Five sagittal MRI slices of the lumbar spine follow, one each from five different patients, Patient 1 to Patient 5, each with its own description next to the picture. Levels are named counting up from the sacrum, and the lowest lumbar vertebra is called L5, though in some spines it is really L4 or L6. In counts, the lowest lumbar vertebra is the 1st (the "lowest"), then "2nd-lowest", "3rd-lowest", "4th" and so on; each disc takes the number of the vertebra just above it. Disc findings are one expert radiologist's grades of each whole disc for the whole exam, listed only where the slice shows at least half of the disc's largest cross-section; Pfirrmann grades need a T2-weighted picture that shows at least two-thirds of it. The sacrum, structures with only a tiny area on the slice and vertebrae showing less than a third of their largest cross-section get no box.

Patient 1 of 5:
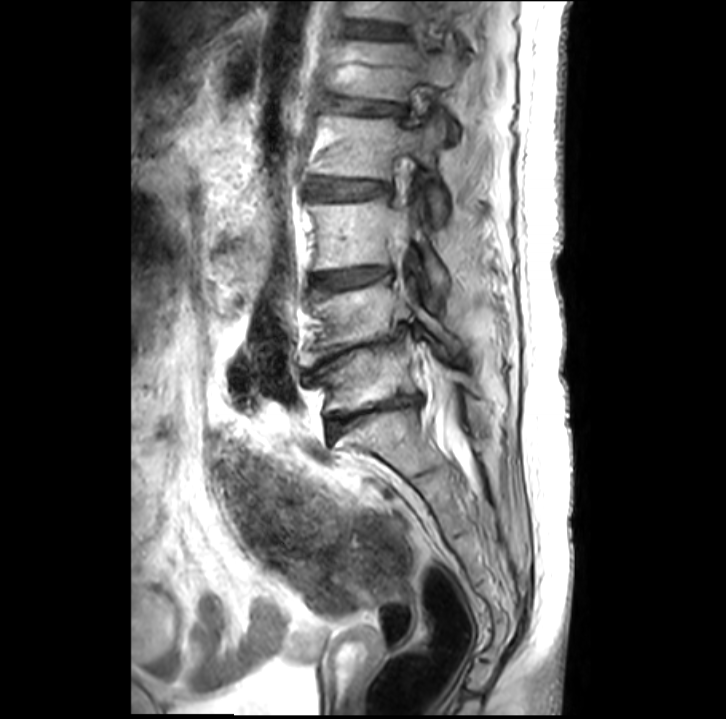

Sagittal slice index 12, Sagittal T2-weighted lumbar spine MRI
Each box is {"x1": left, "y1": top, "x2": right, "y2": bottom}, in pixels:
Intervertebral disc L3/L4 (3rd-lowest disc) = {"x1": 313, "y1": 266, "x2": 387, "y2": 286}.
Spinal canal = {"x1": 432, "y1": 384, "x2": 465, "y2": 460}.
L3 (3rd-lowest vertebra) = {"x1": 309, "y1": 198, "x2": 448, "y2": 298}.
L1 (5th vertebra) = {"x1": 345, "y1": 40, "x2": 465, "y2": 136}.
Intervertebral disc L1/L2 (5th disc) = {"x1": 337, "y1": 98, "x2": 402, "y2": 113}.
Intervertebral disc T12/L1 (6th disc) = {"x1": 365, "y1": 26, "x2": 401, "y2": 36}.
L5 (lowest vertebra) = {"x1": 316, "y1": 333, "x2": 474, "y2": 410}.
L2/L3 (4th disc) = {"x1": 312, "y1": 178, "x2": 387, "y2": 198}.
L4 (2nd-lowest vertebra) = {"x1": 299, "y1": 278, "x2": 462, "y2": 364}.
L5/S1 (lowest disc) = {"x1": 328, "y1": 395, "x2": 419, "y2": 436}.
L2 (4th vertebra) = {"x1": 316, "y1": 114, "x2": 447, "y2": 221}.
L4/L5 (2nd-lowest disc) = {"x1": 316, "y1": 324, "x2": 408, "y2": 372}.

Expert MSK radiologist gradings (per disc):
  L3/L4 (3rd-lowest disc): Pfirrmann grade 3, Modic type II, disc narrowing
  L4/L5 (2nd-lowest disc): Pfirrmann grade 5, disc narrowing
  L2/L3 (4th disc): Pfirrmann grade 2
  L1/L2 (5th disc): Pfirrmann grade 4, disc bulging, disc narrowing
  L5/S1 (lowest disc): Pfirrmann grade 5, Modic type II, disc narrowing

Patient 2 of 5:
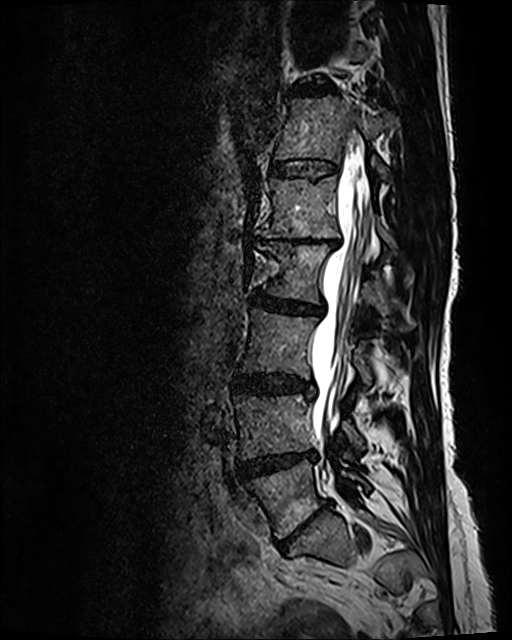
Image 512x640. Slice 57/120. Sagittal T2 SPACE (3D) lumbar spine MRI.

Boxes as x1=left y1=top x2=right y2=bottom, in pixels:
Spinal canal at x1=309 y1=157 x2=368 y2=449.
4th vertebra at x1=257 y1=244 x2=393 y2=315.
Lowest disc at x1=279 y1=505 x2=327 y2=548.
3rd-lowest vertebra at x1=241 y1=309 x2=370 y2=385.
2nd-lowest disc at x1=238 y1=452 x2=315 y2=478.
2nd-lowest vertebra at x1=234 y1=394 x2=365 y2=459.
6th disc at x1=270 y1=158 x2=337 y2=177.
5th vertebra at x1=256 y1=176 x2=393 y2=244.
7th disc at x1=291 y1=82 x2=334 y2=95.
Lowest vertebra at x1=240 y1=460 x2=370 y2=537.
6th vertebra at x1=276 y1=96 x2=396 y2=179.
5th disc at x1=259 y1=235 x2=341 y2=246.
3rd-lowest disc at x1=233 y1=374 x2=313 y2=395.
4th disc at x1=252 y1=292 x2=322 y2=314.

Per-level radiological findings:
• 6th disc: Pfirrmann grade 2
• 5th disc: Pfirrmann grade 5, disc narrowing, upper-endplate change, disc bulging, Modic type II, lower-endplate change
• 3rd-lowest disc: Pfirrmann grade 3, disc bulging
• 4th disc: disc narrowing, disc bulging
• 2nd-lowest disc: Pfirrmann grade 4, disc bulging, Modic type II, disc narrowing

Patient 3 of 5:
Slice 12 of 27; Sagittal T2-weighted lumbar spine MRI
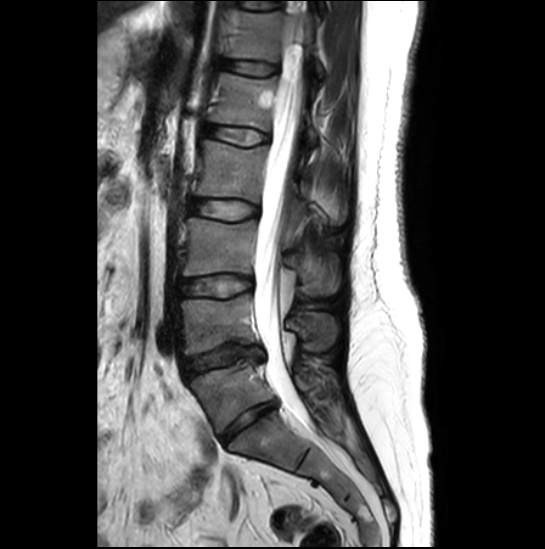 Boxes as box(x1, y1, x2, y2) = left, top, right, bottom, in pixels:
L3 (3rd-lowest vertebra) at box(184, 218, 340, 295); thecal sac / spinal canal at box(254, 28, 309, 424); L4 (2nd-lowest vertebra) at box(180, 294, 337, 354); intervertebral disc L3/L4 (3rd-lowest disc) at box(180, 276, 251, 297); L5/S1 (lowest disc) at box(221, 402, 275, 442); L5 (lowest vertebra) at box(191, 360, 335, 432); intervertebral disc L2/L3 (4th disc) at box(190, 200, 257, 219); T12 (6th vertebra) at box(230, 9, 323, 79); L1 (5th vertebra) at box(210, 73, 316, 145); L2 (4th vertebra) at box(197, 141, 302, 202); L4/L5 (2nd-lowest disc) at box(184, 343, 262, 375); T12/L1 (6th disc) at box(223, 61, 278, 75); L1/L2 (5th disc) at box(206, 125, 268, 145).

Expert MSK radiologist gradings (per disc):
  L1/L2 (5th disc): Pfirrmann grade 1
  T12/L1 (6th disc): Pfirrmann grade 1
  L4/L5 (2nd-lowest disc): Pfirrmann grade 1, disc narrowing, upper-endplate change, lower-endplate change, Modic type II, disc herniation
  L3/L4 (3rd-lowest disc): Pfirrmann grade 2
  L2/L3 (4th disc): Pfirrmann grade 4
  L5/S1 (lowest disc): Pfirrmann grade 3, disc narrowing

Patient 4 of 5:
Slice 16/26. Slice spacing 3.3 mm. T1-weighted sagittal MRI of the lumbar spine. Sex F.
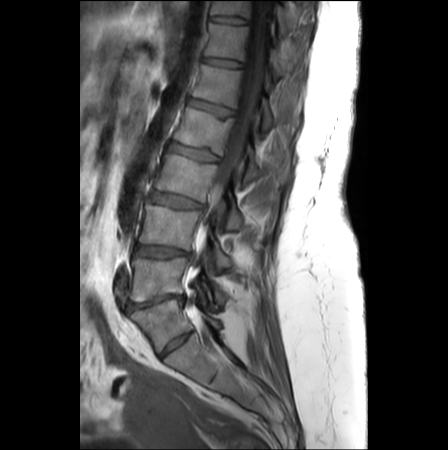

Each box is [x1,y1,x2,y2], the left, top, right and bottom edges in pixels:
Structures:
* L1: [192,64,298,130]
* L4: [139,205,232,268]
* spinal canal: [202,1,270,235]
* T11/T12: [210,16,246,23]
* L1/L2: [189,99,233,116]
* T11: [210,1,291,32]
* T12/L1: [203,58,241,68]
* L2 vertebra: [173,107,289,182]
* L5 vertebra: [130,257,224,301]
* L4/L5: [134,245,189,258]
* T12 vertebra: [204,23,285,78]
* L2/L3: [168,142,218,162]
* L5/S1: [126,294,183,311]
* L3 vertebra: [155,154,242,229]
* L3/L4: [150,191,202,207]

Radiological gradings:
  L4/L5: disc bulging, disc herniation
  L3/L4: Modic type II, disc bulging
  L2/L3: lower-endplate change, upper-endplate change
  L5/S1: spondylolisthesis, Modic type II, disc narrowing, disc bulging
  L1/L2: lower-endplate change, upper-endplate change
  T12/L1, T11/T12: no Modic or endplate change, herniation, narrowing, bulging or spondylolisthesis recorded

Patient 5 of 5:
Lumbar spine MR, T1-weighted, sagittal. Image 448x448.
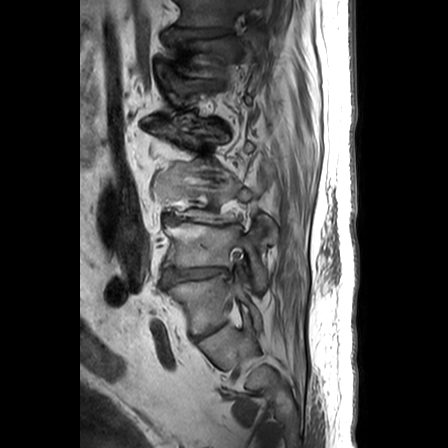

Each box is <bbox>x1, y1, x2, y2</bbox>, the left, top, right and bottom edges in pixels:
6th vertebra: <bbox>159, 33, 261, 76</bbox>.
7th vertebra: <bbox>178, 0, 263, 26</bbox>.
5th disc: <bbox>157, 120, 222, 133</bbox>.
2nd-lowest disc: <bbox>164, 267, 229, 284</bbox>.
7th disc: <bbox>170, 28, 228, 38</bbox>.
3rd-lowest disc: <bbox>165, 215, 242, 225</bbox>.
2nd-lowest vertebra: <bbox>164, 220, 277, 289</bbox>.
6th disc: <bbox>168, 73, 196, 92</bbox>.
Lowest disc: <bbox>202, 326, 216, 334</bbox>.
4th disc: <bbox>197, 177, 222, 185</bbox>.
Lowest vertebra: <bbox>166, 274, 261, 332</bbox>.

Per-level radiological findings:
  6th disc: disc herniation, disc narrowing, disc bulging
  3rd-lowest disc: Modic type II, disc herniation, disc narrowing, disc bulging
  2nd-lowest disc: disc bulging, disc herniation, disc narrowing, Modic type II
  7th disc: disc narrowing, upper-endplate change, disc bulging